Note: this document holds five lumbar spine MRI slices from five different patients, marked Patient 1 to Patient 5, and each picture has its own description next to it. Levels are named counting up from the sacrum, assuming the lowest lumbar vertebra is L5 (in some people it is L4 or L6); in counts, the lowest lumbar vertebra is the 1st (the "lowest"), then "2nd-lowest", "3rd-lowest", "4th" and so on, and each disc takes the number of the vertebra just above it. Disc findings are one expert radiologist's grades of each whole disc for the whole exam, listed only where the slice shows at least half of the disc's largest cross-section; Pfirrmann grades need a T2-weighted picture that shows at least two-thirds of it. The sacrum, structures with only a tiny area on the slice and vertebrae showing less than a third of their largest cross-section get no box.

Patient 1 of 5:
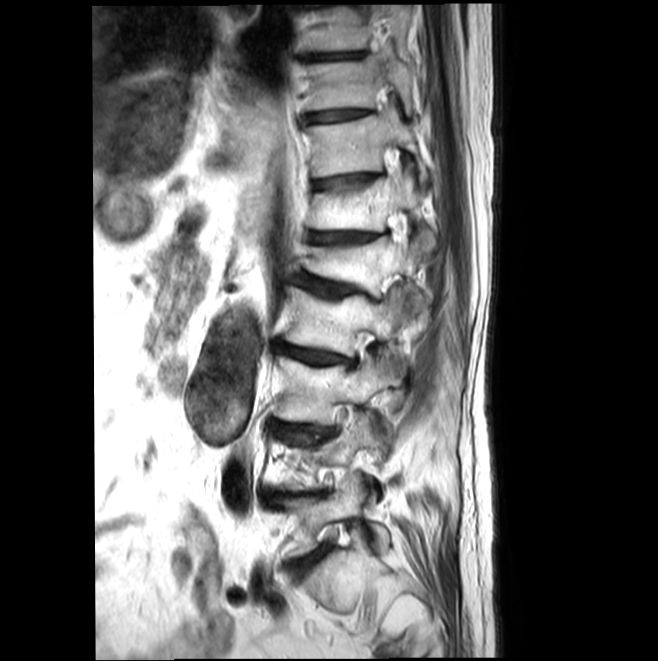 T2-weighted sagittal MRI of the lumbar spine | Sex M | Slice spacing 4.4 mm

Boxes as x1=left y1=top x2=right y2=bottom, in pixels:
Segmented structures:
* T10/T11 (8th disc) — x1=303 y1=110 x2=366 y2=122
* L3 (3rd-lowest vertebra) — x1=275 y1=352 x2=392 y2=426
* T10 (8th vertebra) — x1=309 y1=57 x2=412 y2=114
* T11 (7th vertebra) — x1=308 y1=111 x2=427 y2=180
* T12 (6th vertebra) — x1=311 y1=176 x2=436 y2=253
* T9 (9th vertebra) — x1=308 y1=5 x2=410 y2=50
* L1 (5th vertebra) — x1=306 y1=237 x2=425 y2=317
* disc L2/L3 (4th disc) — x1=274 y1=341 x2=353 y2=365
* L5 (lowest vertebra) — x1=284 y1=474 x2=388 y2=555
* disc L5/S1 (lowest disc) — x1=292 y1=549 x2=326 y2=568
* L2 (4th vertebra) — x1=284 y1=286 x2=414 y2=357
* disc L1/L2 (5th disc) — x1=294 y1=273 x2=379 y2=301
* disc T9/T10 (9th disc) — x1=305 y1=52 x2=364 y2=60
* L3/L4 (3rd-lowest disc) — x1=276 y1=423 x2=314 y2=430
* disc T12/L1 (6th disc) — x1=310 y1=233 x2=376 y2=243
* T11/T12 (7th disc) — x1=312 y1=174 x2=373 y2=189

Expert MSK radiologist gradings (per disc):
- T9/T10 (9th disc): Pfirrmann grade 1
- L2/L3 (4th disc): disc narrowing, Modic type II, upper-endplate change, disc bulging
- T10/T11 (8th disc): Pfirrmann grade 1
- L1/L2 (5th disc): upper-endplate change, Modic type II, disc narrowing, disc bulging, spondylolisthesis

Patient 2 of 5:
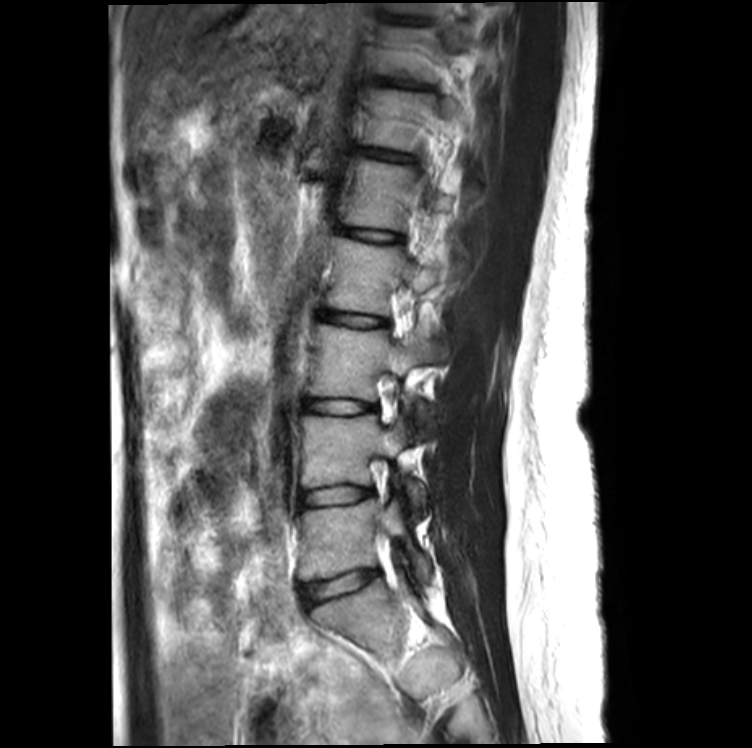 752x748 px. T2-weighted sagittal MRI of the lumbar spine.
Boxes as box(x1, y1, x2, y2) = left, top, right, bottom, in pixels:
Annotations:
• lowest vertebra: box(299, 500, 431, 582)
• 3rd-lowest vertebra: box(307, 325, 442, 417)
• 4th vertebra: box(327, 238, 449, 316)
• 6th vertebra: box(364, 90, 433, 150)
• 7th disc: box(390, 81, 418, 88)
• lowest disc: box(304, 571, 376, 603)
• 2nd-lowest disc: box(301, 487, 371, 506)
• 2nd-lowest vertebra: box(301, 415, 425, 507)
• 4th disc: box(320, 311, 386, 327)
• 3rd-lowest disc: box(304, 398, 371, 413)
• 5th vertebra: box(345, 160, 452, 228)
• 6th disc: box(364, 149, 402, 160)
• 5th disc: box(346, 229, 399, 242)

Per-level radiological findings:
- 2nd-lowest disc: Pfirrmann grade 2
- 3rd-lowest disc: Pfirrmann grade 2
- lowest disc: Pfirrmann grade 2, lower-endplate change
- 5th disc, 4th disc: no herniation, bulging, narrowing, spondylolisthesis, endplate or Modic change recorded

Patient 3 of 5:
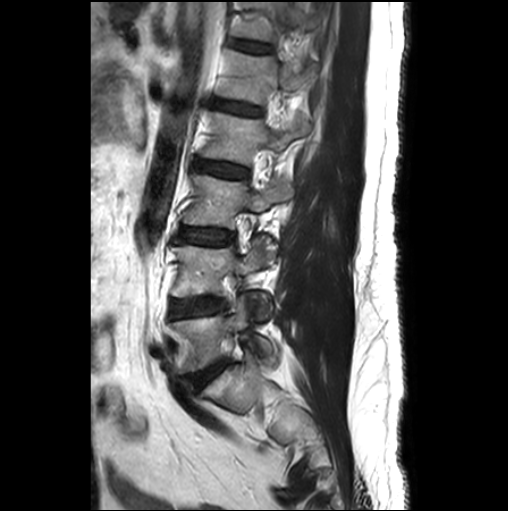

MRI lumbar spine (T2-weighted), sagittal plane | Sex M | 508x511 px
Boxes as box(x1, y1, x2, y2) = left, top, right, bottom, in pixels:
L3 vertebra at box(184, 174, 293, 228); T12 at box(233, 2, 313, 41); IVD L5/S1 at box(189, 361, 225, 388); L1 vertebra at box(218, 50, 306, 104); IVD L2/L3 at box(195, 160, 247, 178); IVD T12/L1 at box(231, 40, 271, 52); L3/L4 at box(179, 228, 234, 245); L4/L5 at box(170, 298, 226, 317); L5 vertebra at box(171, 297, 276, 372); L4 vertebra at box(171, 237, 276, 315); IVD L1/L2 at box(216, 100, 261, 115); L2 at box(202, 112, 309, 164).

Per-level radiological findings:
• L2/L3: Pfirrmann grade 3
• L4/L5: Pfirrmann grade 2, Modic type II
• L3/L4: Pfirrmann grade 2
• L1/L2, T12/L1: no spondylolisthesis, narrowing, bulging, herniation, Modic or endplate change recorded

Patient 4 of 5:
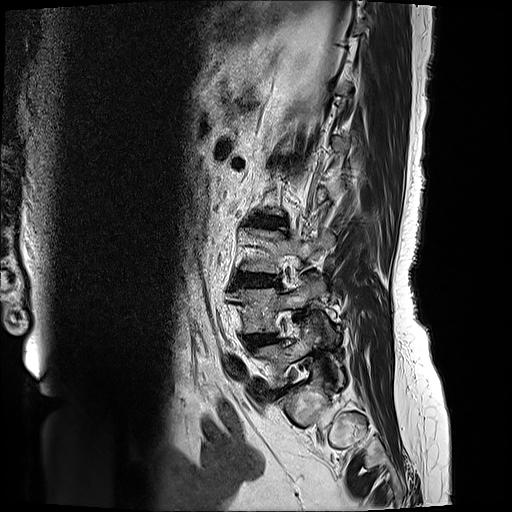 Slice 3 of 19. Image 512x512. MRI lumbar spine (T2-weighted), sagittal plane.
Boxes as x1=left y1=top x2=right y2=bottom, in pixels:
Annotations:
* L3 vertebra: x1=242 y1=227 x2=334 y2=272
* L4/L5: x1=245 y1=334 x2=278 y2=349
* L3/L4: x1=234 y1=273 x2=281 y2=286
* intervertebral disc L2/L3: x1=250 y1=214 x2=288 y2=227
* L4: x1=230 y1=272 x2=326 y2=332
* L5: x1=256 y1=325 x2=342 y2=388

Per-level radiological findings:
• L2/L3: Modic type II, disc bulging, upper-endplate change, lower-endplate change, disc narrowing
• L3/L4: Pfirrmann grade 4, disc narrowing, Modic type II, lower-endplate change, upper-endplate change, disc bulging

Patient 5 of 5:
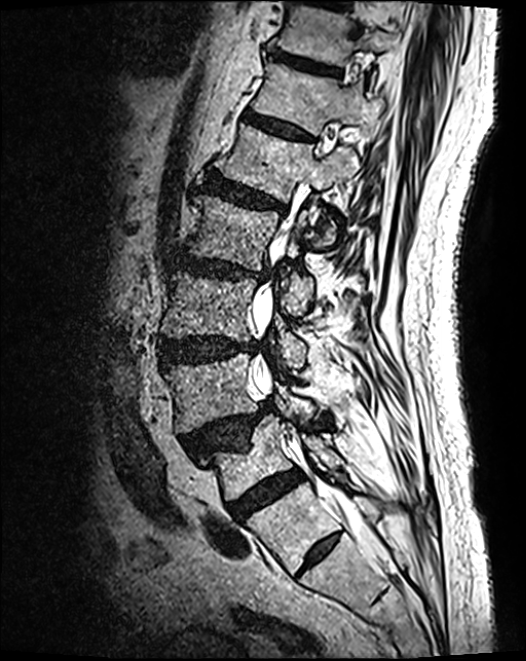 526x661 px, Lumbar spine MR, T2 SPACE (3D), sagittal

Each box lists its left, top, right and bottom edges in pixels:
disc T12/L1 (6th disc): left=244, top=113, right=310, bottom=141 | L5 (lowest vertebra): left=201, top=415, right=341, bottom=501 | L1/L2 (5th disc): left=205, top=176, right=286, bottom=213 | L5/S1 (lowest disc): left=228, top=471, right=303, bottom=520 | disc T11/T12 (7th disc): left=269, top=50, right=338, bottom=75 | disc L3/L4 (3rd-lowest disc): left=160, top=338, right=258, bottom=363 | disc L2/L3 (4th disc): left=171, top=253, right=270, bottom=282 | L1 (5th vertebra): left=221, top=126, right=357, bottom=245 | L4 (2nd-lowest vertebra): left=165, top=355, right=314, bottom=433 | T12 (6th vertebra): left=253, top=63, right=378, bottom=135 | T11 (7th vertebra): left=278, top=7, right=393, bottom=66 | L4/L5 (2nd-lowest disc): left=183, top=402, right=273, bottom=457 | L3 (3rd-lowest vertebra): left=161, top=272, right=305, bottom=370 | L2 (4th vertebra): left=183, top=195, right=324, bottom=313 | spinal canal: left=254, top=290, right=382, bottom=557

Expert MSK radiologist gradings (per disc):
  L3/L4 (3rd-lowest disc): Pfirrmann grade 4, disc bulging
  L4/L5 (2nd-lowest disc): Pfirrmann grade 4, spondylolisthesis, disc herniation, upper-endplate change
  L2/L3 (4th disc): Pfirrmann grade 4, upper-endplate change, disc bulging, disc narrowing, lower-endplate change
  L1/L2 (5th disc): Pfirrmann grade 4, lower-endplate change, upper-endplate change, disc bulging
  T12/L1 (6th disc): Pfirrmann grade 3
  T11/T12 (7th disc): Pfirrmann grade 3, lower-endplate change
  L5/S1 (lowest disc): Pfirrmann grade 4